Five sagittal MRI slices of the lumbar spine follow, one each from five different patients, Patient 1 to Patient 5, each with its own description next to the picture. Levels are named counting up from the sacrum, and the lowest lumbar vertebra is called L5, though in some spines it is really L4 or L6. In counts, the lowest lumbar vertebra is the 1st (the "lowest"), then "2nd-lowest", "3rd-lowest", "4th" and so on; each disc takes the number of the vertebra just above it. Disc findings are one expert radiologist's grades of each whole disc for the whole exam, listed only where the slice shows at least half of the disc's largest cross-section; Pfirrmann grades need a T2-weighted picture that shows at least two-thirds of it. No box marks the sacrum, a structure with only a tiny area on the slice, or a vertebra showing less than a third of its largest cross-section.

Patient 1 of 5:
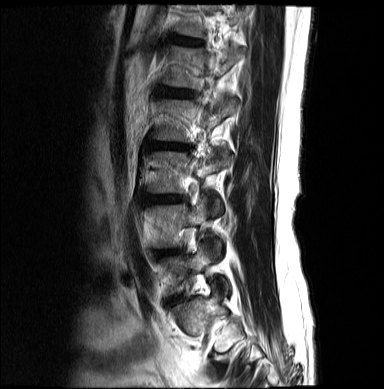 Patient sex: M. Slice 5 of 19. Image 384x389. Sagittal T2-weighted lumbar spine MRI.

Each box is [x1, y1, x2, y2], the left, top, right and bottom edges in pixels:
L3: [147, 151, 229, 214]
L5 vertebra: [165, 246, 228, 289]
T12/L1: [172, 37, 200, 44]
L1: [163, 45, 243, 88]
L2 vertebra: [152, 97, 237, 141]
intervertebral disc L3/L4: [145, 195, 181, 204]
L1/L2: [159, 86, 192, 97]
L2/L3: [149, 142, 186, 149]

Radiological gradings:
- L2/L3: lower-endplate change, disc narrowing, Modic type II, upper-endplate change, disc bulging

Patient 2 of 5:
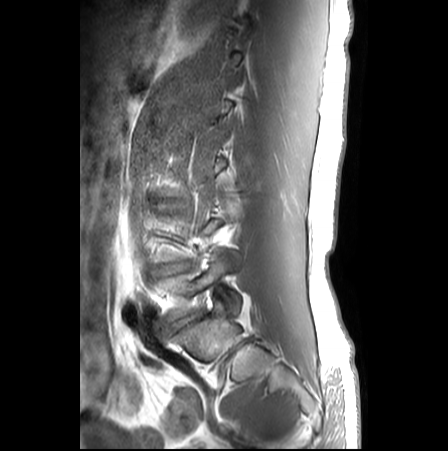 Lumbar spine MR, T1-weighted, sagittal | Patient sex: M | Sagittal slice index 21
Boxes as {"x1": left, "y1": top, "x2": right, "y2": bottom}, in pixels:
disc L5/S1: {"x1": 168, "y1": 313, "x2": 200, "y2": 333}
L4/L5: {"x1": 155, "y1": 262, "x2": 189, "y2": 275}
L5 vertebra: {"x1": 153, "y1": 252, "x2": 241, "y2": 324}

Patient 3 of 5:
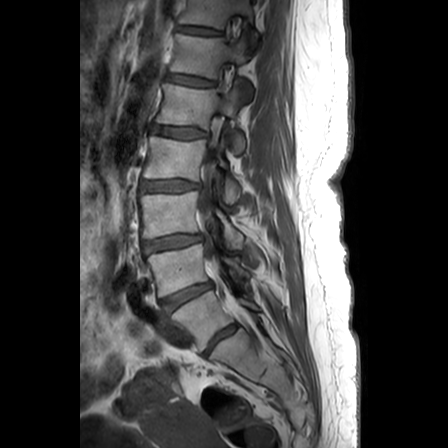

448x448 px | Sex F | T1-weighted sagittal MRI of the lumbar spine

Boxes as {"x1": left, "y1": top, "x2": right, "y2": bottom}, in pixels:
7th vertebra = {"x1": 179, "y1": 0, "x2": 257, "y2": 47}.
2nd-lowest disc = {"x1": 162, "y1": 283, "x2": 211, "y2": 312}.
6th disc = {"x1": 167, "y1": 74, "x2": 214, "y2": 86}.
4th vertebra = {"x1": 143, "y1": 137, "x2": 240, "y2": 204}.
3rd-lowest disc = {"x1": 143, "y1": 235, "x2": 201, "y2": 253}.
5th disc = {"x1": 152, "y1": 126, "x2": 207, "y2": 138}.
Spinal canal = {"x1": 198, "y1": 158, "x2": 214, "y2": 261}.
Lowest vertebra = {"x1": 172, "y1": 291, "x2": 261, "y2": 351}.
3rd-lowest vertebra = {"x1": 140, "y1": 191, "x2": 243, "y2": 248}.
2nd-lowest vertebra = {"x1": 147, "y1": 244, "x2": 251, "y2": 296}.
5th vertebra = {"x1": 156, "y1": 81, "x2": 244, "y2": 153}.
Lowest disc = {"x1": 206, "y1": 324, "x2": 236, "y2": 352}.
4th disc = {"x1": 141, "y1": 180, "x2": 200, "y2": 192}.
6th vertebra = {"x1": 169, "y1": 34, "x2": 252, "y2": 99}.
7th disc = {"x1": 177, "y1": 26, "x2": 222, "y2": 36}.

Expert MSK radiologist gradings (per disc):
  5th disc: disc bulging, lower-endplate change, upper-endplate change
  6th disc: lower-endplate change, upper-endplate change
  3rd-lowest disc: upper-endplate change, lower-endplate change, disc bulging
  4th disc: upper-endplate change, lower-endplate change, disc bulging
  2nd-lowest disc: disc narrowing, disc bulging
  7th disc: lower-endplate change, upper-endplate change
  lowest disc: no Modic or endplate change, herniation, narrowing, bulging or spondylolisthesis recorded

Patient 4 of 5:
Image 512x640; Field of view 240x300 mm; Lumbar spine MR, T2 SPACE (3D), sagittal 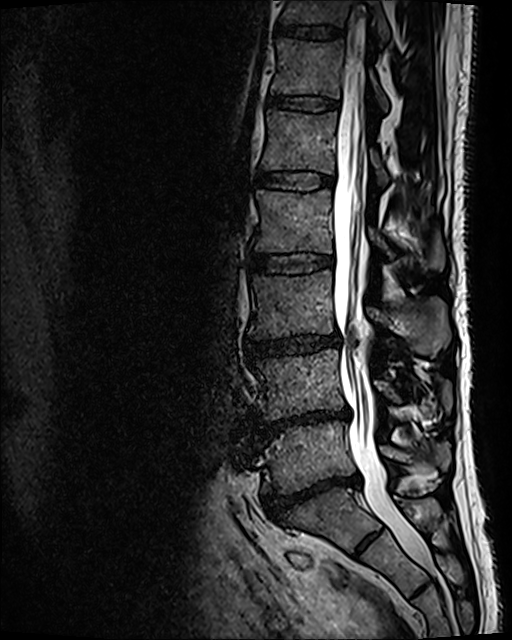
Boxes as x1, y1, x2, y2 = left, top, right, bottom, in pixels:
Segmented structures:
• 2nd-lowest vertebra at 255, 349, 451, 420
• 6th vertebra at 271, 40, 388, 111
• 2nd-lowest disc at 251, 410, 348, 434
• 3rd-lowest vertebra at 249, 270, 450, 356
• lowest vertebra at 257, 421, 451, 494
• 4th disc at 251, 254, 333, 273
• spinal canal at 333, 47, 431, 568
• 7th disc at 273, 25, 344, 39
• 3rd-lowest disc at 246, 335, 340, 355
• 4th vertebra at 255, 189, 444, 270
• 5th disc at 257, 171, 332, 190
• 5th vertebra at 261, 109, 388, 181
• lowest disc at 263, 474, 361, 521
• 6th disc at 268, 95, 337, 111
• 7th vertebra at 278, 0, 390, 44

Per-level radiological findings:
• 4th disc: Pfirrmann grade 2
• 6th disc: Pfirrmann grade 2
• 5th disc: Pfirrmann grade 2
• 3rd-lowest disc: Pfirrmann grade 3, disc bulging, disc narrowing
• lowest disc: Pfirrmann grade 5, disc bulging, spondylolisthesis, disc narrowing, lower-endplate change
• 2nd-lowest disc: Modic type II, disc bulging, lower-endplate change, disc narrowing
• 7th disc: Pfirrmann grade 2

Patient 5 of 5:
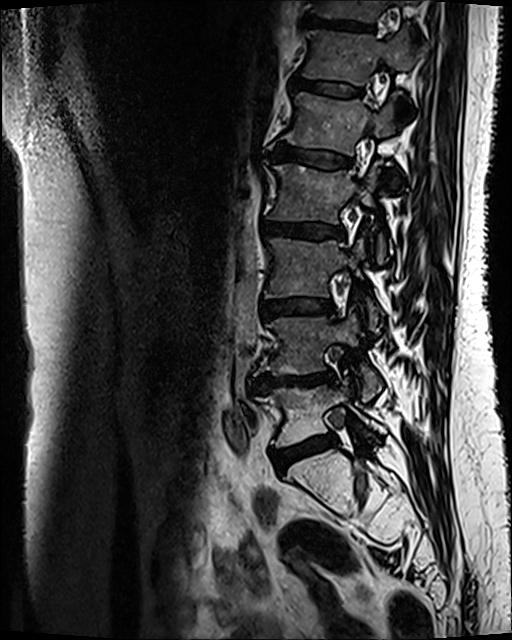

MRI lumbar spine (T2 SPACE (3D)), sagittal plane | Image 512x640 | Slice 82/120 | Patient sex: F
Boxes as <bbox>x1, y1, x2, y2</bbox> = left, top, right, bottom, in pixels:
L3/L4: <bbox>260, 299, 333, 317</bbox>.
T11: <bbox>313, 0, 417, 22</bbox>.
T12: <bbox>302, 32, 418, 84</bbox>.
L3: <bbox>266, 237, 380, 331</bbox>.
L4/L5: <bbox>248, 370, 334, 392</bbox>.
L2/L3: <bbox>264, 222, 344, 238</bbox>.
L2: <bbox>271, 163, 388, 263</bbox>.
Disc L1/L2: <bbox>269, 141, 349, 167</bbox>.
L1 vertebra: <bbox>284, 92, 394, 155</bbox>.
L4: <bbox>256, 314, 381, 400</bbox>.
T12/L1: <bbox>291, 78, 361, 95</bbox>.
Disc L5/S1: <bbox>271, 435, 337, 471</bbox>.
T11/T12: <bbox>303, 15, 373, 31</bbox>.
L5 vertebra: <bbox>256, 382, 384, 448</bbox>.

Expert MSK radiologist gradings (per disc):
• L5/S1: disc bulging, Modic type II
• L2/L3: Pfirrmann grade 3, disc bulging, Modic type II
• L1/L2: Pfirrmann grade 3, Modic type II
• T12/L1: Pfirrmann grade 3, Modic type II
• L3/L4: Pfirrmann grade 3, disc bulging, Modic type II
• T11/T12: Modic type II, lower-endplate change, upper-endplate change
• L4/L5: upper-endplate change, Modic type II, disc bulging, lower-endplate change, disc narrowing